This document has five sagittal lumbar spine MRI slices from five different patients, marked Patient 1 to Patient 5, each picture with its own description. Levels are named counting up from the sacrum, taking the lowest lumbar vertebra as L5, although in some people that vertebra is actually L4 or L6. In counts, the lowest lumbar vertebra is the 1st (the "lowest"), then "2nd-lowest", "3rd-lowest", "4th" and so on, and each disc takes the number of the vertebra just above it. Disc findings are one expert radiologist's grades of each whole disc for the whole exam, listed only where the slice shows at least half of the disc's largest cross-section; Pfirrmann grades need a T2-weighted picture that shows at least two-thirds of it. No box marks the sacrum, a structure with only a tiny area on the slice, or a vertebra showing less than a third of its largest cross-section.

Patient 1 of 5:
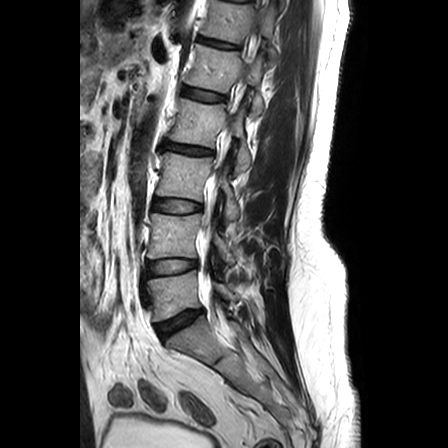
Slice 16 of 24; MRI lumbar spine (T2-weighted), sagittal plane; Image 448x448
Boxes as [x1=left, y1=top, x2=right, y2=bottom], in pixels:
- 6th vertebra = [x1=201, y1=0, x2=277, y2=59]
- lowest vertebra = [x1=148, y1=270, x2=238, y2=321]
- 6th disc = [x1=199, y1=37, x2=238, y2=48]
- 4th disc = [x1=164, y1=142, x2=213, y2=155]
- 5th disc = [x1=183, y1=87, x2=224, y2=101]
- 4th vertebra = [x1=169, y1=98, x2=251, y2=172]
- 2nd-lowest vertebra = [x1=148, y1=213, x2=235, y2=263]
- 2nd-lowest disc = [x1=148, y1=259, x2=197, y2=275]
- 3rd-lowest disc = [x1=153, y1=198, x2=201, y2=212]
- lowest disc = [x1=157, y1=310, x2=202, y2=338]
- 5th vertebra = [x1=185, y1=44, x2=264, y2=114]
- 3rd-lowest vertebra = [x1=156, y1=152, x2=239, y2=231]

Expert MSK radiologist gradings (per disc):
- 5th disc: Pfirrmann grade 1
- 6th disc: Pfirrmann grade 2, lower-endplate change, upper-endplate change
- 3rd-lowest disc: Pfirrmann grade 2, upper-endplate change
- 2nd-lowest disc: Pfirrmann grade 2, lower-endplate change
- lowest disc: disc herniation
- 4th disc: Pfirrmann grade 4, upper-endplate change, lower-endplate change, disc narrowing, disc bulging

Patient 2 of 5:
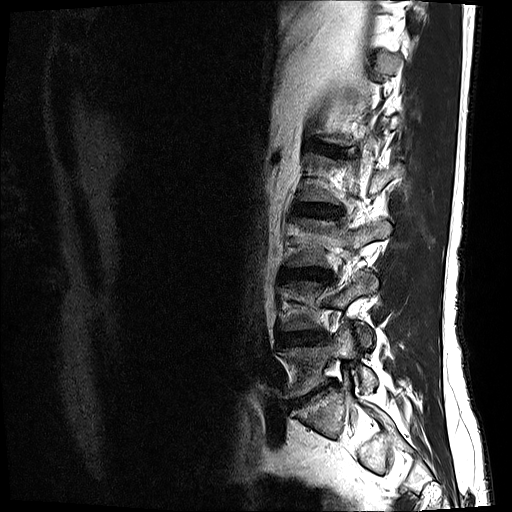 Lumbar spine MR, T2-weighted, sagittal.
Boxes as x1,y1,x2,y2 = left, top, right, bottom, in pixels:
L4/L5 at 281,332,321,344; L5/S1 at 289,388,322,407; L5 at 281,324,377,398; intervertebral disc L2/L3 at 296,204,338,216; intervertebral disc L3/L4 at 285,268,329,278; intervertebral disc L1/L2 at 315,144,344,155.

Per-level radiological findings:
  L2/L3: disc bulging
  L3/L4: lower-endplate change, disc bulging, disc narrowing

Patient 3 of 5:
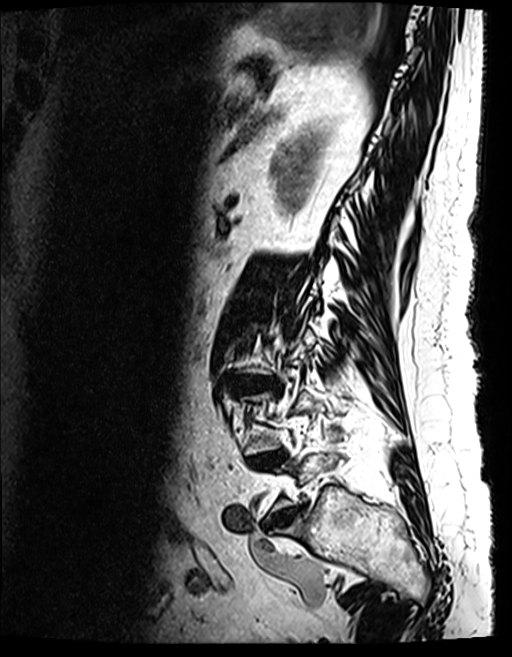 MRI lumbar spine (T2 SPACE (3D)), sagittal plane
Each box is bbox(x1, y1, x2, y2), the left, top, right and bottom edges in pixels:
Intervertebral disc L5/S1 at bbox(267, 509, 298, 531); intervertebral disc L4/L5 at bbox(247, 450, 283, 466).

Expert MSK radiologist gradings (per disc):
- L4/L5: Modic type II, disc narrowing, upper-endplate change, lower-endplate change, disc bulging

Patient 4 of 5:
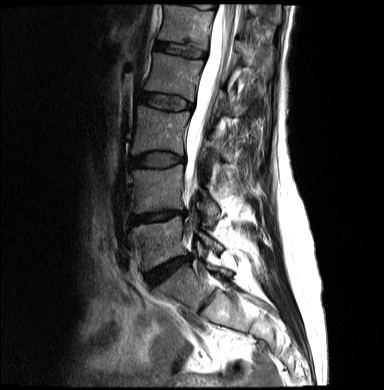

Sagittal T2-weighted lumbar spine MRI. Sagittal slice index 6.
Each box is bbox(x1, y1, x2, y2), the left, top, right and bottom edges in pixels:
{"spinal canal": "bbox(185, 3, 238, 185)", "L2": "bbox(144, 53, 239, 114)", "L1 vertebra": "bbox(158, 4, 271, 72)", "L5": "bbox(129, 214, 222, 269)", "L4": "bbox(132, 165, 219, 226)", "L3": "bbox(131, 106, 232, 161)", "intervertebral disc L5/S1": "bbox(145, 256, 190, 285)", "L1/L2": "bbox(155, 42, 206, 58)", "L3/L4": "bbox(130, 152, 184, 166)", "intervertebral disc L2/L3": "bbox(138, 93, 192, 110)", "intervertebral disc L4/L5": "bbox(130, 211, 184, 224)"}

Expert MSK radiologist gradings (per disc):
  L5/S1: disc bulging, disc narrowing
  L1/L2: Pfirrmann grade 2
  L3/L4: Pfirrmann grade 2
  L4/L5: upper-endplate change, disc narrowing, disc bulging, lower-endplate change
  L2/L3: Pfirrmann grade 2

Patient 5 of 5:
Scanner: Philips Healthcare Ingenia (3T), 509x512 px, Sex F, Sagittal T2-weighted lumbar spine MRI, Slice 10 of 26
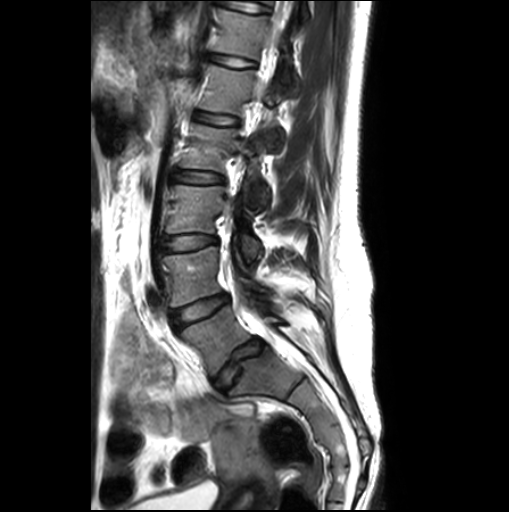

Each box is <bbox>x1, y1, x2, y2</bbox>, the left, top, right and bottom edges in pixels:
Annotations:
- 5th disc: <bbox>194, 112, 239, 125</bbox>
- 3rd-lowest vertebra: <bbox>166, 184, 261, 261</bbox>
- 4th vertebra: <bbox>181, 125, 268, 212</bbox>
- 3rd-lowest disc: <bbox>158, 235, 216, 253</bbox>
- 2nd-lowest disc: <bbox>172, 295, 229, 328</bbox>
- 5th vertebra: <bbox>198, 65, 284, 152</bbox>
- 6th vertebra: <bbox>210, 9, 292, 86</bbox>
- 4th disc: <bbox>172, 170, 224, 184</bbox>
- 2nd-lowest vertebra: <bbox>164, 247, 272, 306</bbox>
- lowest disc: <bbox>215, 339, 264, 389</bbox>
- 6th disc: <bbox>207, 54, 255, 67</bbox>
- lowest vertebra: <bbox>182, 306, 287, 376</bbox>
- spinal canal: <bbox>258, 26, 282, 333</bbox>

Per-level radiological findings:
• 2nd-lowest disc: Pfirrmann grade 1, disc bulging
• lowest disc: Pfirrmann grade 3, upper-endplate change, lower-endplate change, disc bulging
• 4th disc: Pfirrmann grade 1
• 6th disc: Pfirrmann grade 1
• 3rd-lowest disc: Pfirrmann grade 1, disc bulging
• 5th disc: Pfirrmann grade 1